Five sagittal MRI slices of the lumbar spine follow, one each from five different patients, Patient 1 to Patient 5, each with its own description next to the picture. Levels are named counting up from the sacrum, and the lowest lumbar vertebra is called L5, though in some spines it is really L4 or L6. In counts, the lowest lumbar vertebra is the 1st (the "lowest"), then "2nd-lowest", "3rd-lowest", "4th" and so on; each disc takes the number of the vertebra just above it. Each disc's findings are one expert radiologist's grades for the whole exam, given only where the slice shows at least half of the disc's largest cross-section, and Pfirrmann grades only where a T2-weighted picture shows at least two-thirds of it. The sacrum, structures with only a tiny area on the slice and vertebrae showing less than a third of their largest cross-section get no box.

Patient 1 of 5:
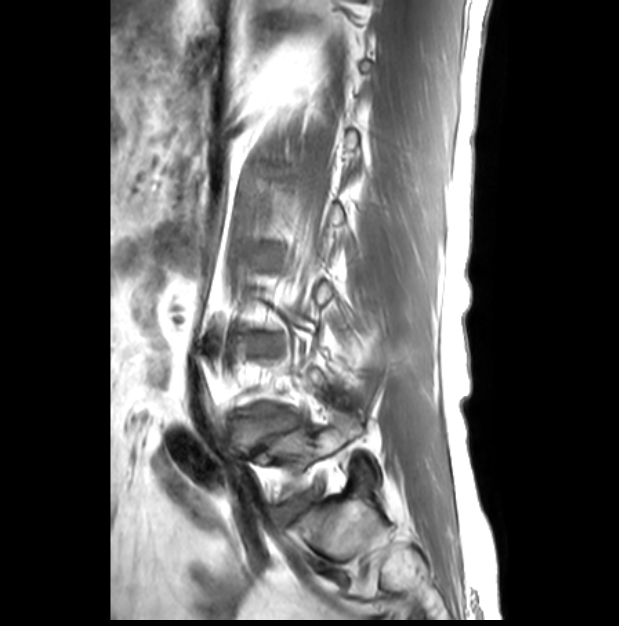 Image 619x626 | Patient sex: M | Slice 7/28 | T1-weighted sagittal MRI of the lumbar spine
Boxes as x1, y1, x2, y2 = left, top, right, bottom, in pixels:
L5 (lowest vertebra): 265, 413, 382, 498
L5/S1 (lowest disc): 279, 494, 312, 518
IVD L4/L5 (2nd-lowest disc): 272, 416, 290, 428

Patient 2 of 5:
Patient sex: F | T2 SPACE (3D) sagittal MRI of the lumbar spine

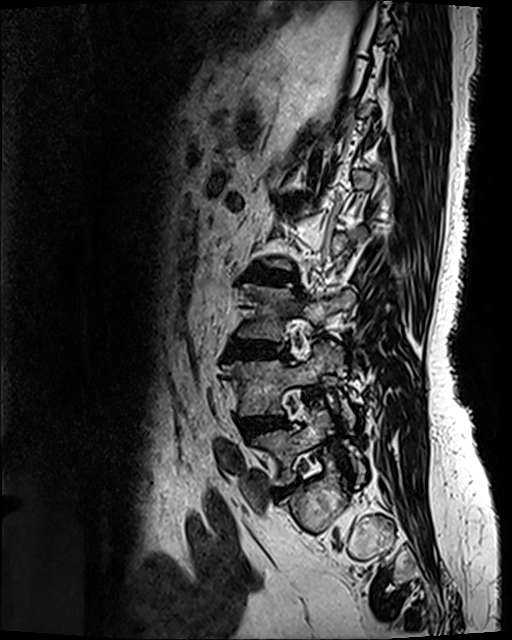 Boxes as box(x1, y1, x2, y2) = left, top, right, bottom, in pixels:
IVD L3/L4 (3rd-lowest disc) = box(228, 341, 287, 358).
L4 (2nd-lowest vertebra) = box(223, 340, 343, 415).
IVD L4/L5 (2nd-lowest disc) = box(242, 418, 283, 436).
IVD L2/L3 (4th disc) = box(248, 268, 296, 284).
L5 (lowest vertebra) = box(254, 406, 364, 485).
L3 (3rd-lowest vertebra) = box(238, 284, 355, 340).
L5/S1 (lowest disc) = box(279, 482, 299, 491).

Expert MSK radiologist gradings (per disc):
- L2/L3 (4th disc): Modic type II, disc bulging, lower-endplate change, disc narrowing, upper-endplate change
- L3/L4 (3rd-lowest disc): Pfirrmann grade 4, upper-endplate change, disc narrowing, lower-endplate change, disc bulging, Modic type II

Patient 3 of 5:
Lumbar spine MR, T1-weighted, sagittal, 439x441 px 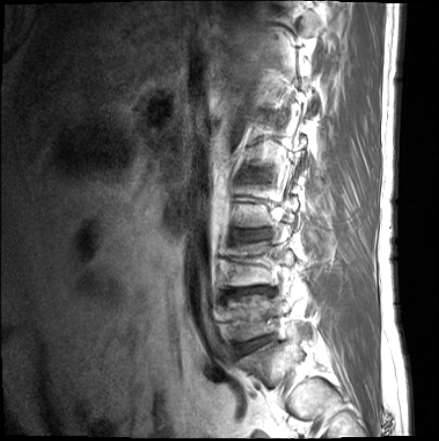
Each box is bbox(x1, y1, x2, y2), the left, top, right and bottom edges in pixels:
{"disc L4/L5 (2nd-lowest disc)": "bbox(231, 287, 270, 296)", "disc L5/S1 (lowest disc)": "bbox(237, 336, 269, 354)", "L3/L4 (3rd-lowest disc)": "bbox(241, 230, 269, 239)", "L5 (lowest vertebra)": "bbox(228, 295, 292, 340)"}

Patient 4 of 5:
Slice 71 of 120. Lumbar spine MR, T2 SPACE (3D), sagittal. SIEMENS Avanto_fit (1.5T).
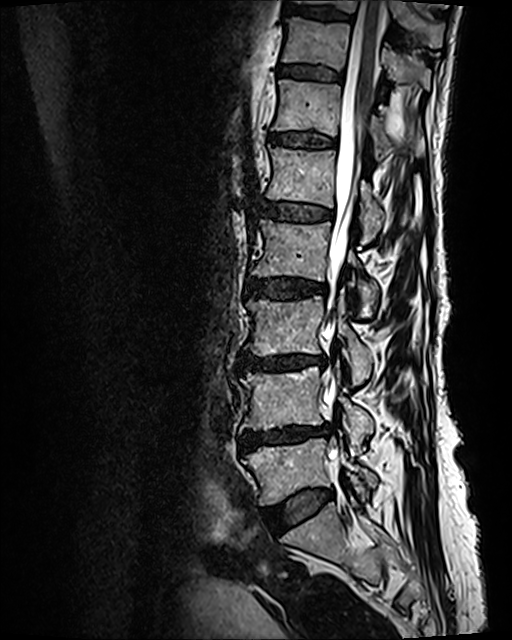
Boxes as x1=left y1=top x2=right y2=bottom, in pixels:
• L5 vertebra — x1=243 y1=439 x2=377 y2=505
• intervertebral disc L2/L3 — x1=244 y1=278 x2=326 y2=298
• T11 vertebra — x1=282 y1=17 x2=430 y2=88
• L1 vertebra — x1=266 y1=147 x2=385 y2=242
• intervertebral disc L1/L2 — x1=260 y1=202 x2=331 y2=221
• T10/T11 — x1=290 y1=7 x2=351 y2=19
• L4 vertebra — x1=240 y1=366 x2=375 y2=446
• L2 vertebra — x1=251 y1=220 x2=378 y2=315
• L3 — x1=246 y1=292 x2=373 y2=385
• thecal sac / spinal canal — x1=323 y1=0 x2=383 y2=403
• T12 vertebra — x1=272 y1=80 x2=424 y2=159
• L4/L5 — x1=240 y1=425 x2=329 y2=449
• intervertebral disc T11/T12 — x1=277 y1=64 x2=343 y2=81
• T12/L1 — x1=270 y1=133 x2=335 y2=148
• L5/S1 — x1=263 y1=489 x2=332 y2=529
• intervertebral disc L3/L4 — x1=239 y1=353 x2=325 y2=371
• T10 — x1=297 y1=0 x2=443 y2=47

Expert MSK radiologist gradings (per disc):
  L1/L2: Pfirrmann grade 3, upper-endplate change, Modic type II, lower-endplate change
  L2/L3: Pfirrmann grade 3, lower-endplate change, upper-endplate change, Modic type II, disc bulging
  L5/S1: Pfirrmann grade 2, disc bulging
  T10/T11: Pfirrmann grade 2, lower-endplate change, upper-endplate change
  L4/L5: Pfirrmann grade 4, lower-endplate change, disc bulging, Modic type II, disc narrowing, upper-endplate change
  T11/T12: Pfirrmann grade 2, upper-endplate change, Modic type II, lower-endplate change
  T12/L1: Pfirrmann grade 2, Modic type II, lower-endplate change, upper-endplate change
  L3/L4: Pfirrmann grade 4, upper-endplate change, lower-endplate change, disc narrowing, disc bulging, Modic type II

Patient 5 of 5:
T2-weighted sagittal MRI of the lumbar spine | SIEMENS Avanto_fit (1.5T) | Slice 10/19 | 384x389 px

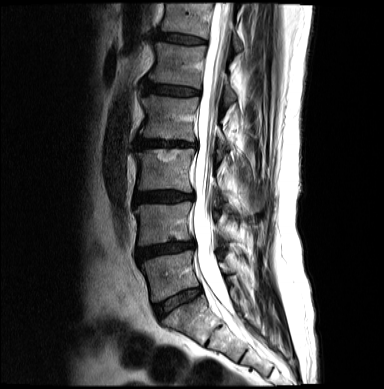
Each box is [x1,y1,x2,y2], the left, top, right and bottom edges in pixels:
Intervertebral disc L5/S1: [154,287,201,318].
Spinal canal: [193,3,236,322].
L3: [136,149,260,212].
L4: [135,202,252,245].
L1/L2: [144,81,199,96].
T12: [161,3,242,51].
L5: [141,251,247,302].
L1 vertebra: [148,43,236,104].
Intervertebral disc T12/L1: [157,32,205,44].
Intervertebral disc L4/L5: [137,240,194,261].
Intervertebral disc L3/L4: [134,191,192,204].
Intervertebral disc L2/L3: [135,138,196,148].
L2: [139,96,230,154].

Degenerative findings by level:
- L3/L4: Pfirrmann grade 4, disc bulging
- L4/L5: Pfirrmann grade 4, lower-endplate change, disc narrowing, disc bulging
- L2/L3: Pfirrmann grade 4, upper-endplate change, lower-endplate change, Modic type II, disc narrowing, disc bulging
- L5/S1: Pfirrmann grade 3
- L1/L2: Pfirrmann grade 3, lower-endplate change, upper-endplate change
- T12/L1: Pfirrmann grade 3